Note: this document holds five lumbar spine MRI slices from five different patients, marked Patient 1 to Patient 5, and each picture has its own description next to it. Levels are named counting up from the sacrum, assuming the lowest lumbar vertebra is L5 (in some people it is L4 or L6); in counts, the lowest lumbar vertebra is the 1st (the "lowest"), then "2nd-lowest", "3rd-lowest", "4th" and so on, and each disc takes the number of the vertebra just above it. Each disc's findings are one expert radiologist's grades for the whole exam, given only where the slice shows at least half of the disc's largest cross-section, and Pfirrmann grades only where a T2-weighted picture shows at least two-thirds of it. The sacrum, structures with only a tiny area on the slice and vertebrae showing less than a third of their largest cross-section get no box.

Patient 1 of 5:
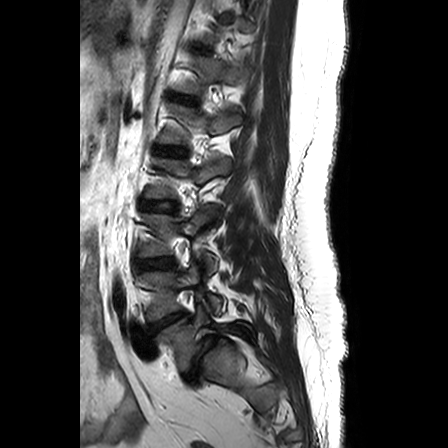 Lumbar spine MR, T2-weighted, sagittal

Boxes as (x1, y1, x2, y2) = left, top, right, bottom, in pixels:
• IVD L2/L3 — (141, 200, 175, 210)
• L1 — (158, 103, 240, 144)
• L3 vertebra — (139, 205, 216, 271)
• IVD L3/L4 — (137, 258, 172, 270)
• IVD L1/L2 — (156, 146, 184, 153)
• T12 — (172, 56, 246, 94)
• L5 vertebra — (156, 305, 250, 371)
• L4 — (140, 263, 221, 320)
• T12/L1 — (172, 94, 195, 101)
• L5/S1 — (185, 337, 216, 381)
• L2 — (145, 158, 230, 198)
• IVD L4/L5 — (149, 311, 185, 333)

Degenerative findings by level:
• L5/S1: disc narrowing, spondylolisthesis, lower-endplate change, disc bulging
• L3/L4, L2/L3: no Modic or endplate change, herniation, narrowing, bulging or spondylolisthesis recorded

Patient 2 of 5:
Lumbar spine MR, T2 SPACE (3D), sagittal | Patient sex: M
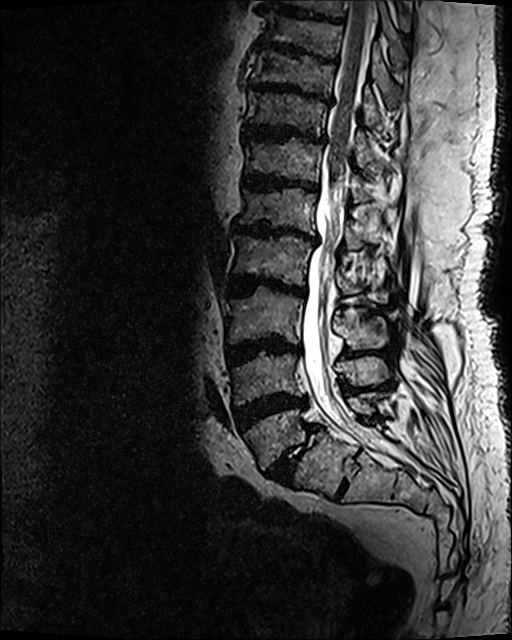

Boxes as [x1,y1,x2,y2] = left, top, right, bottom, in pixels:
• L5/S1 (lowest disc): [266,425,317,483]
• L2 (4th vertebra): [232,235,390,301]
• disc L1/L2 (5th disc): [229,220,317,244]
• T12/L1 (6th disc): [242,173,319,192]
• L3 (3rd-lowest vertebra): [222,286,388,349]
• L5 (lowest vertebra): [243,391,383,468]
• disc L3/L4 (3rd-lowest disc): [225,336,300,365]
• thecal sac / spinal canal: [302,1,382,450]
• disc T10/T11 (8th disc): [248,81,331,104]
• T12 (6th vertebra): [244,137,371,202]
• T10 (8th vertebra): [252,48,379,124]
• T11 (7th vertebra): [246,90,379,166]
• disc L4/L5 (2nd-lowest disc): [230,393,308,432]
• disc L2/L3 (4th disc): [228,274,305,296]
• T11/T12 (7th disc): [243,123,327,143]
• L4 (2nd-lowest vertebra): [232,352,390,404]
• T9/T10 (9th disc): [257,44,338,63]
• L1 (5th vertebra): [236,186,362,250]

Degenerative findings by level:
• T10/T11 (8th disc): upper-endplate change, disc narrowing, disc bulging, Modic type II, lower-endplate change
• L2/L3 (4th disc): Pfirrmann grade 5, upper-endplate change, disc bulging, disc narrowing, lower-endplate change, Modic type II
• T9/T10 (9th disc): upper-endplate change, lower-endplate change, Modic type II, disc bulging, disc narrowing
• T11/T12 (7th disc): Pfirrmann grade 5, Modic type II, upper-endplate change, disc bulging, disc narrowing, lower-endplate change
• L3/L4 (3rd-lowest disc): Pfirrmann grade 5, upper-endplate change, disc narrowing, Modic type II, lower-endplate change, disc bulging
• T12/L1 (6th disc): Pfirrmann grade 5, Modic type II, upper-endplate change, disc narrowing, disc bulging, lower-endplate change
• L1/L2 (5th disc): Pfirrmann grade 5, Modic type II, lower-endplate change, upper-endplate change, disc bulging, disc narrowing
• L4/L5 (2nd-lowest disc): Pfirrmann grade 5, Modic type II, upper-endplate change, disc bulging, disc narrowing, lower-endplate change
• L5/S1 (lowest disc): Pfirrmann grade 5, lower-endplate change, disc narrowing, disc bulging, spondylolisthesis, Modic type II, upper-endplate change

Patient 3 of 5:
Lumbar spine MR, T2 SPACE (3D), sagittal; Image 512x640; Patient sex: M 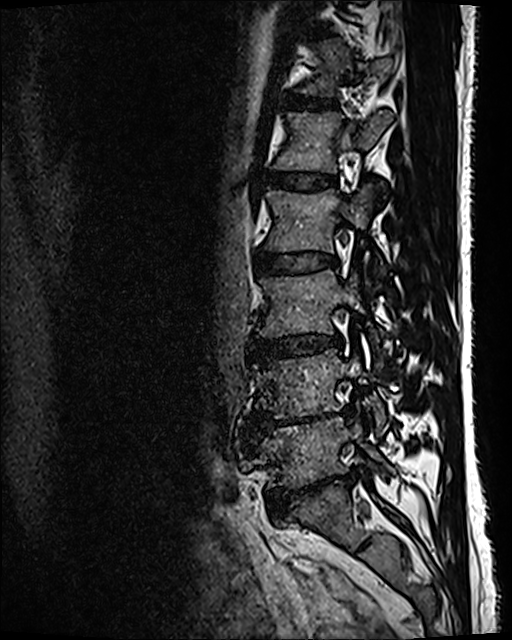

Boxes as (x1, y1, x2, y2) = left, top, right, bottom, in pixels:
Annotations:
• 3rd-lowest disc — (253, 335, 342, 361)
• 5th vertebra — (273, 111, 392, 173)
• 2nd-lowest disc — (263, 412, 332, 426)
• 4th disc — (257, 253, 336, 274)
• 7th disc — (313, 30, 333, 39)
• 6th vertebra — (300, 39, 394, 95)
• 2nd-lowest vertebra — (253, 349, 385, 434)
• 3rd-lowest vertebra — (257, 270, 379, 348)
• 4th vertebra — (265, 186, 379, 263)
• 5th disc — (268, 171, 336, 189)
• lowest vertebra — (262, 418, 393, 488)
• lowest disc — (269, 475, 347, 516)
• 6th disc — (291, 95, 335, 109)

Degenerative findings by level:
  4th disc: Pfirrmann grade 2
  3rd-lowest disc: Pfirrmann grade 3, disc bulging, disc narrowing
  lowest disc: Pfirrmann grade 5, disc bulging, lower-endplate change, disc narrowing, spondylolisthesis
  5th disc: Pfirrmann grade 2
  6th disc: no Modic or endplate change, herniation, narrowing, bulging or spondylolisthesis recorded

Patient 4 of 5:
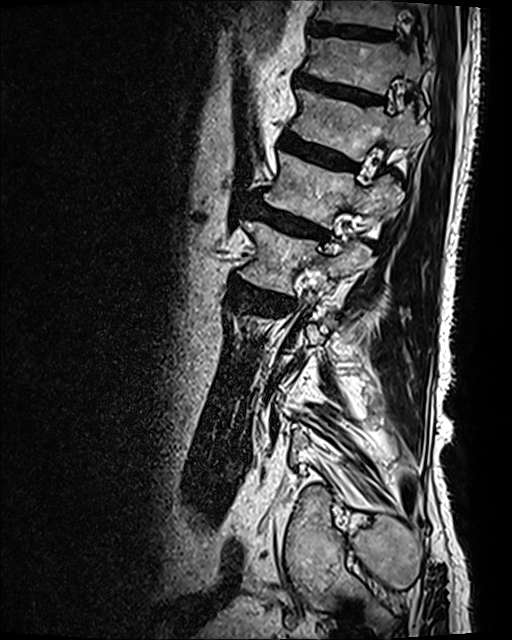
Lumbar spine MR, T2 SPACE (3D), sagittal | Field of view 240x300 mm, slice spacing 0.9 mm | 512x640 px | Sagittal slice index 101

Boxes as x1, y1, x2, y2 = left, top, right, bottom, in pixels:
disc L1/L2 (5th disc): 253, 199, 329, 239
T12 (6th vertebra): 291, 89, 427, 161
L2/L3 (4th disc): 231, 278, 291, 310
T11/T12 (7th disc): 296, 70, 383, 102
L2 (4th vertebra): 240, 221, 371, 292
T11 (7th vertebra): 304, 38, 424, 110
L1 (5th vertebra): 264, 153, 403, 227
disc T12/L1 (6th disc): 281, 133, 358, 171
T10 (8th vertebra): 313, 0, 428, 39
disc T10/T11 (8th disc): 310, 23, 392, 41

Radiological gradings:
- T11/T12 (7th disc): Pfirrmann grade 4, disc bulging, lower-endplate change, upper-endplate change
- T10/T11 (8th disc): Pfirrmann grade 3
- L2/L3 (4th disc): Pfirrmann grade 4, disc bulging, upper-endplate change, disc narrowing, lower-endplate change, Modic type I
- T12/L1 (6th disc): Pfirrmann grade 4, upper-endplate change, lower-endplate change, disc bulging, Modic type II
- L1/L2 (5th disc): Pfirrmann grade 4, disc bulging, upper-endplate change, lower-endplate change, Modic type II

Patient 5 of 5:
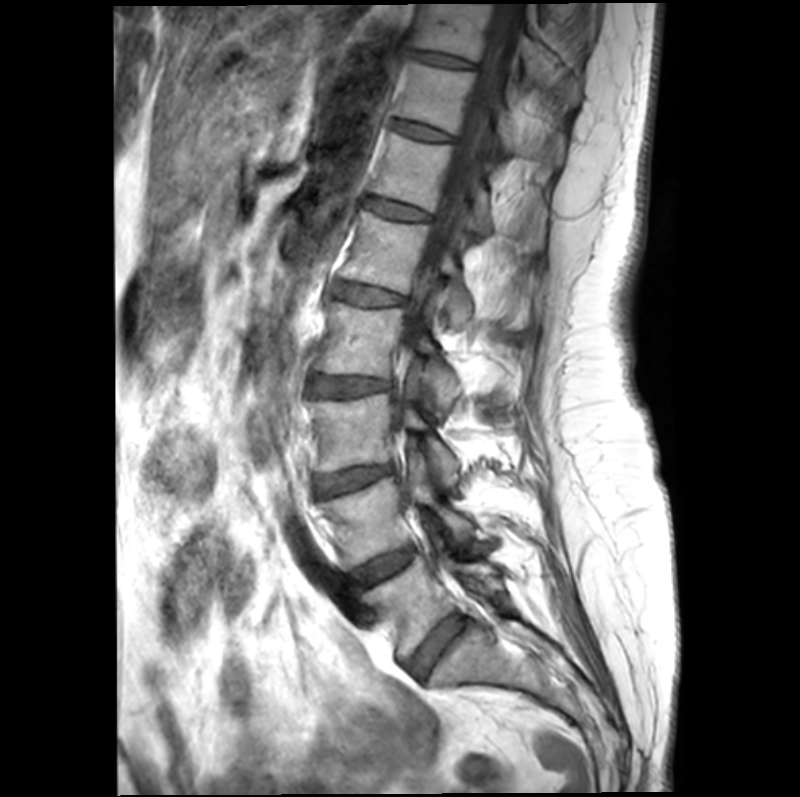 Slice 13/21; Field of view 310x309 mm; Sagittal T1-weighted lumbar spine MRI; Image 800x797
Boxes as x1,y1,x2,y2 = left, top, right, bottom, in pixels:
L5 at 362,554,495,662 | IVD L1/L2 at 332,282,405,305 | IVD T12/L1 at 364,198,430,220 | T10/T11 at 406,49,474,67 | T10 vertebra at 410,4,581,104 | L4/L5 at 346,548,413,600 | L1 at 341,210,529,329 | L5/S1 at 406,616,465,680 | L4 vertebra at 319,455,474,569 | T12 at 372,131,547,250 | L2 vertebra at 315,299,461,414 | thecal sac / spinal canal at 398,4,522,451 | IVD T11/T12 at 390,120,451,140 | L3 at 310,386,459,485 | IVD L2/L3 at 309,374,389,397 | L3/L4 at 314,464,392,496 | T11 at 393,60,565,180

Degenerative findings by level:
- L3/L4: upper-endplate change, disc bulging, lower-endplate change, Modic type II, disc narrowing
- T12/L1: Modic type II
- L1/L2: upper-endplate change, lower-endplate change, Modic type II
- L4/L5: Modic type II
- L5/S1: Modic type II
- L2/L3: lower-endplate change, upper-endplate change, disc bulging, Modic type II
- T10/T11, T11/T12: no herniation, bulging, narrowing, spondylolisthesis, endplate or Modic change recorded